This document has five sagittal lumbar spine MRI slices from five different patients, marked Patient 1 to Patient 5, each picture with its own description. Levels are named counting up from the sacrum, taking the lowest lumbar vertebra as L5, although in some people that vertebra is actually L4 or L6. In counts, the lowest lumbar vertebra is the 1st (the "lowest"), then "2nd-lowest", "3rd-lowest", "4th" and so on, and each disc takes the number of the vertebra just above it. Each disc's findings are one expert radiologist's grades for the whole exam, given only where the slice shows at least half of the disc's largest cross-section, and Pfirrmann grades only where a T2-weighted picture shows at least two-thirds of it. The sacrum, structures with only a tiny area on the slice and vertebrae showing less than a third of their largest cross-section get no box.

Patient 1 of 5:
T2-weighted sagittal MRI of the lumbar spine; SIEMENS Avanto_fit (1.5T); 305x307 px; Sagittal slice index 15; Patient sex: M 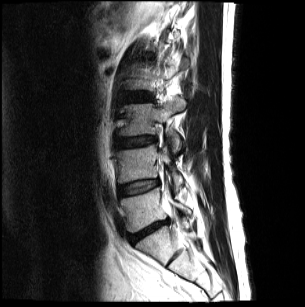

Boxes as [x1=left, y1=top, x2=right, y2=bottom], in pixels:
Structures:
- L2/L3 (4th disc): [x1=131, y1=94, x2=149, y2=100]
- L5/S1 (lowest disc): [x1=129, y1=218, x2=168, y2=241]
- disc L3/L4 (3rd-lowest disc): [x1=117, y1=136, x2=156, y2=147]
- L5 (lowest vertebra): [x1=120, y1=188, x2=191, y2=232]
- L4/L5 (2nd-lowest disc): [x1=119, y1=179, x2=158, y2=194]
- L4 (2nd-lowest vertebra): [x1=115, y1=145, x2=183, y2=190]
- L3 (3rd-lowest vertebra): [x1=120, y1=98, x2=186, y2=151]

Radiological gradings:
• L3/L4 (3rd-lowest disc): Pfirrmann grade 3, disc bulging, upper-endplate change
• L4/L5 (2nd-lowest disc): Pfirrmann grade 2, disc bulging
• L5/S1 (lowest disc): Pfirrmann grade 5, disc bulging, disc herniation, Modic type II, disc narrowing

Patient 2 of 5:
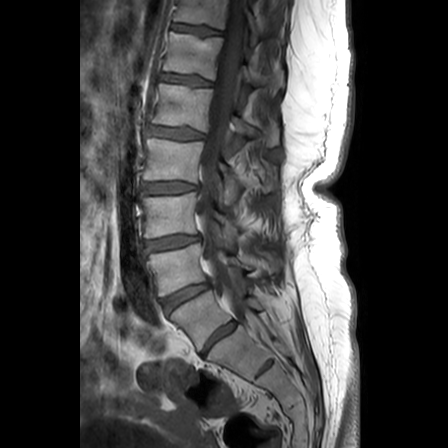
MRI lumbar spine (T1-weighted), sagittal plane, Patient sex: F, Image 448x448, Sagittal slice index 10
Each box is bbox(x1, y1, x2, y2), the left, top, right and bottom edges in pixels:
Intervertebral disc L5/S1: bbox(200, 320, 236, 356).
T11/T12: bbox(173, 24, 220, 36).
T11 vertebra: bbox(174, 0, 281, 44).
Intervertebral disc L2/L3: bbox(142, 182, 197, 193).
L4 vertebra: bbox(148, 244, 281, 295).
L3/L4: bbox(146, 236, 200, 250).
L4/L5: bbox(163, 283, 208, 311).
Spinal canal: bbox(195, 0, 262, 338).
T12 vertebra: bbox(164, 32, 284, 93).
L3: bbox(143, 193, 276, 243).
L2 vertebra: bbox(144, 139, 277, 204).
L1/L2: bbox(148, 126, 204, 139).
T12/L1: bbox(161, 74, 211, 85).
L5: bbox(170, 291, 262, 350).
L1 vertebra: bbox(152, 83, 279, 146).

Radiological gradings:
  L1/L2: upper-endplate change, lower-endplate change, disc bulging
  L2/L3: lower-endplate change, upper-endplate change, disc bulging
  T12/L1: upper-endplate change, lower-endplate change
  T11/T12: lower-endplate change, upper-endplate change
  L3/L4: upper-endplate change, disc bulging, lower-endplate change
  L4/L5: disc narrowing, disc bulging
  L5/S1: no herniation, bulging, narrowing, spondylolisthesis, endplate or Modic change recorded

Patient 3 of 5:
Sagittal T2-weighted lumbar spine MRI. Field of view 280x280 mm. Image 384x384.
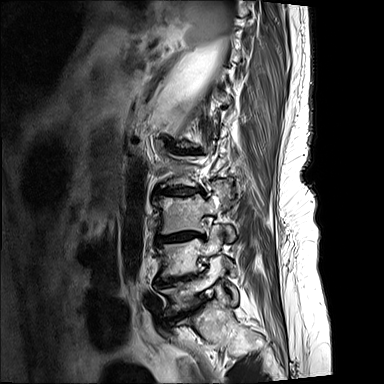 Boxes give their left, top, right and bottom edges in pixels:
Annotations:
* L2/L3 = left=155, top=187, right=203, bottom=195
* L5/S1 = left=170, top=296, right=205, bottom=319
* L4 = left=156, top=227, right=235, bottom=278
* L4/L5 = left=155, top=273, right=198, bottom=287
* intervertebral disc L3/L4 = left=155, top=231, right=205, bottom=244
* L3 vertebra = left=152, top=178, right=235, bottom=241
* intervertebral disc L1/L2 = left=172, top=149, right=200, bottom=153
* L5 = left=160, top=258, right=239, bottom=316
* L2 vertebra = left=160, top=153, right=227, bottom=187

Radiological gradings:
- L2/L3: Pfirrmann grade 5, disc bulging, Modic type I, upper-endplate change, lower-endplate change, disc narrowing
- L3/L4: Pfirrmann grade 5, lower-endplate change, Modic type II, disc narrowing, disc bulging, upper-endplate change
- L4/L5: Pfirrmann grade 5, Modic type II, lower-endplate change, disc bulging, disc narrowing, upper-endplate change
- L5/S1: Pfirrmann grade 5, lower-endplate change, disc narrowing, disc bulging, upper-endplate change, Modic type II

Patient 4 of 5:
Field of view 280x285 mm | Sex M | MRI lumbar spine (T1-weighted), sagittal plane 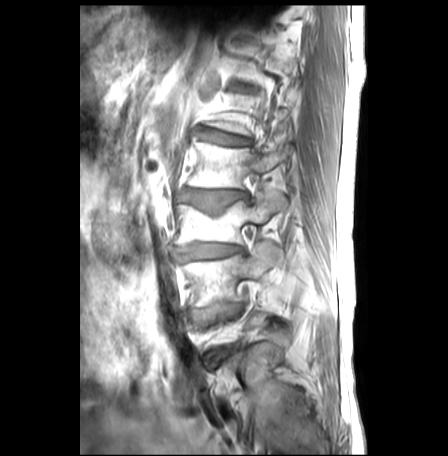

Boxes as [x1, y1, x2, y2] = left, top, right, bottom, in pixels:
Annotations:
- L3/L4 (3rd-lowest disc) — [170, 244, 242, 263]
- disc T12/L1 (6th disc) — [232, 84, 254, 92]
- L4 (2nd-lowest vertebra) — [181, 241, 281, 308]
- disc L2/L3 (4th disc) — [184, 191, 246, 217]
- disc L4/L5 (2nd-lowest disc) — [205, 305, 243, 320]
- L1/L2 (5th disc) — [197, 129, 249, 145]
- L3 (3rd-lowest vertebra) — [173, 191, 286, 244]
- L2 (4th vertebra) — [187, 143, 289, 188]

Per-level radiological findings:
• L1/L2 (5th disc): disc bulging, upper-endplate change, Modic type II, lower-endplate change
• L3/L4 (3rd-lowest disc): lower-endplate change, disc bulging, upper-endplate change, disc narrowing, Modic type II
• L2/L3 (4th disc): upper-endplate change, Modic type II, lower-endplate change, disc narrowing, disc bulging

Patient 5 of 5:
MRI lumbar spine (T2 SPACE (3D)), sagittal plane; Sagittal slice index 69; Field of view 240x300 mm
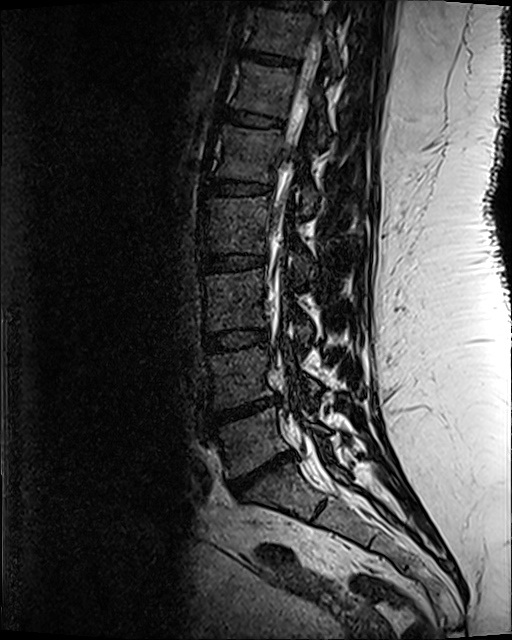 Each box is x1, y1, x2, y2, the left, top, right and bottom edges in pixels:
{"7th vertebra": "249, 9, 342, 74", "thecal sac / spinal canal": "266, 24, 346, 490", "6th vertebra": "232, 63, 330, 140", "7th disc": "243, 51, 296, 64", "3rd-lowest disc": "204, 329, 268, 351", "4th vertebra": "202, 197, 312, 279", "4th disc": "200, 255, 264, 271", "5th vertebra": "215, 126, 317, 213", "2nd-lowest disc": "212, 401, 269, 423", "2nd-lowest vertebra": "210, 347, 319, 407", "lowest disc": "227, 454, 292, 497", "5th disc": "206, 177, 269, 194", "3rd-lowest vertebra": "204, 270, 312, 343", "8th disc": "259, 0, 312, 8", "6th disc": "222, 109, 282, 127", "lowest vertebra": "216, 407, 328, 476"}

Degenerative findings by level:
• 3rd-lowest disc: Pfirrmann grade 3
• 6th disc: Pfirrmann grade 3
• lowest disc: Pfirrmann grade 5, Modic type II, disc narrowing, upper-endplate change, disc herniation, lower-endplate change
• 4th disc: Pfirrmann grade 3, lower-endplate change, upper-endplate change
• 7th disc: Pfirrmann grade 3, lower-endplate change
• 5th disc: Pfirrmann grade 3, lower-endplate change